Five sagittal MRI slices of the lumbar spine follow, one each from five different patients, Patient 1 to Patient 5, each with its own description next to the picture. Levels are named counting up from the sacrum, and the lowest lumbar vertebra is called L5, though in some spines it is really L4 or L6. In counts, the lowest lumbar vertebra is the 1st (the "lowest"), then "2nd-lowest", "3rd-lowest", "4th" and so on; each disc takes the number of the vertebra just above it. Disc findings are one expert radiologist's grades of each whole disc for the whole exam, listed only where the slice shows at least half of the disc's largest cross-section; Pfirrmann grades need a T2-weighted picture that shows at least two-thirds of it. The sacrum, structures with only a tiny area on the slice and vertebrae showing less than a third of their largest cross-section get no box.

Patient 1 of 5:
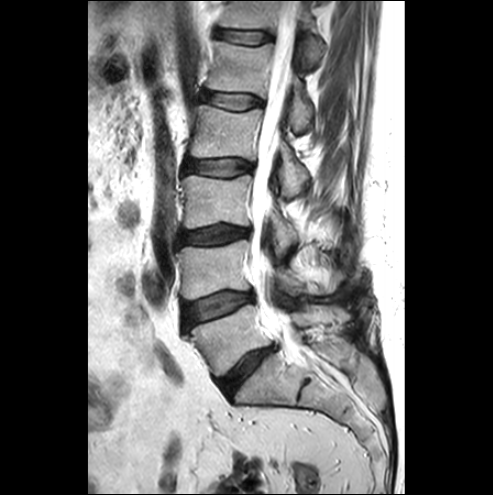 Sagittal T2-weighted lumbar spine MRI
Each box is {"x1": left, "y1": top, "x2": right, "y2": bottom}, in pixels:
2nd-lowest vertebra = {"x1": 178, "y1": 239, "x2": 341, "y2": 299}.
2nd-lowest disc = {"x1": 185, "y1": 292, "x2": 252, "y2": 326}.
3rd-lowest vertebra = {"x1": 181, "y1": 174, "x2": 298, "y2": 254}.
3rd-lowest disc = {"x1": 183, "y1": 225, "x2": 248, "y2": 244}.
4th disc = {"x1": 185, "y1": 159, "x2": 252, "y2": 176}.
6th disc = {"x1": 216, "y1": 29, "x2": 272, "y2": 43}.
4th vertebra = {"x1": 190, "y1": 105, "x2": 307, "y2": 196}.
Lowest vertebra = {"x1": 190, "y1": 304, "x2": 350, "y2": 375}.
5th disc = {"x1": 201, "y1": 91, "x2": 261, "y2": 109}.
5th vertebra = {"x1": 208, "y1": 41, "x2": 311, "y2": 130}.
6th vertebra = {"x1": 220, "y1": 1, "x2": 322, "y2": 67}.
Lowest disc = {"x1": 219, "y1": 346, "x2": 273, "y2": 395}.
Spinal canal = {"x1": 252, "y1": 1, "x2": 299, "y2": 314}.

Per-level radiological findings:
  6th disc: Pfirrmann grade 1
  3rd-lowest disc: Pfirrmann grade 3, disc bulging
  lowest disc: Pfirrmann grade 4, disc bulging, disc narrowing
  5th disc: Pfirrmann grade 1
  4th disc: Pfirrmann grade 1
  2nd-lowest disc: Pfirrmann grade 1, Modic type III, disc bulging

Patient 2 of 5:
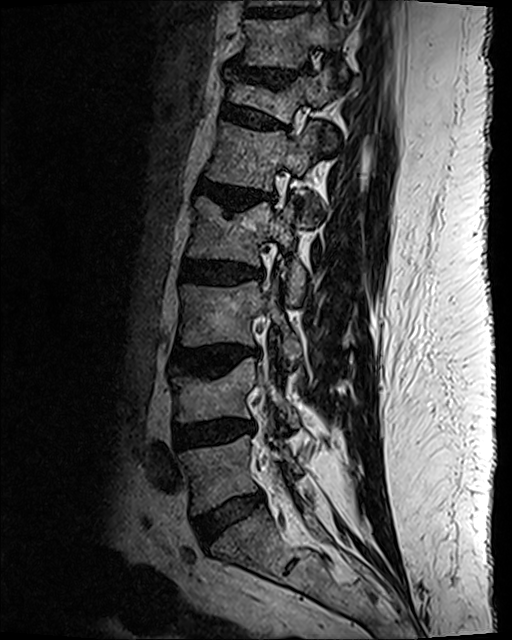
MRI lumbar spine (T2 SPACE (3D)), sagittal plane, 512x640 px

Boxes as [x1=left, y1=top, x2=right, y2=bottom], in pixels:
IVD T12/L1 at [x1=223, y1=106, x2=284, y2=128], L3 vertebra at [x1=180, y1=281, x2=300, y2=367], T12 vertebra at [x1=228, y1=66, x2=336, y2=147], L2/L3 at [x1=181, y1=260, x2=263, y2=284], L5 vertebra at [x1=182, y1=435, x2=300, y2=514], IVD L4/L5 at [x1=174, y1=421, x2=249, y2=447], T10/T11 at [x1=249, y1=10, x2=299, y2=17], L1 at [x1=208, y1=122, x2=320, y2=225], T11 vertebra at [x1=245, y1=14, x2=346, y2=77], T11/T12 at [x1=229, y1=66, x2=307, y2=89], thecal sac / spinal canal at [x1=262, y1=450, x2=270, y2=466], L3/L4 at [x1=175, y1=346, x2=258, y2=373], IVD L5/S1 at [x1=195, y1=492, x2=263, y2=542], IVD L1/L2 at [x1=198, y1=181, x2=262, y2=211], L2 vertebra at [x1=189, y1=198, x2=304, y2=305], L4 at [x1=170, y1=358, x2=299, y2=428].

Radiological gradings:
  L1/L2: Pfirrmann grade 3, lower-endplate change, disc bulging, upper-endplate change, Modic type II, disc narrowing
  T12/L1: Pfirrmann grade 2, disc bulging, spondylolisthesis, upper-endplate change, lower-endplate change
  L2/L3: Pfirrmann grade 3, disc bulging, lower-endplate change
  L4/L5: Pfirrmann grade 3, disc bulging, disc narrowing
  L3/L4: Pfirrmann grade 3, upper-endplate change, lower-endplate change, Modic type II, disc bulging
  T11/T12: Pfirrmann grade 2, disc narrowing, lower-endplate change, disc bulging, upper-endplate change
  L5/S1: Pfirrmann grade 2, disc bulging

Patient 3 of 5:
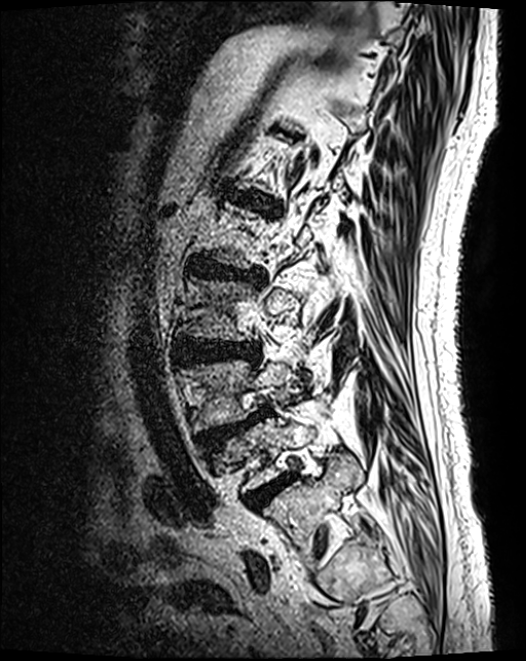 Patient sex: M. Sagittal T2 SPACE (3D) lumbar spine MRI.
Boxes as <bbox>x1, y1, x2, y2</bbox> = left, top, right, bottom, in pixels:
disc L2/L3 at <bbox>192, 260, 264, 282</bbox> | L4/L5 at <bbox>201, 412, 263, 447</bbox> | L5/S1 at <bbox>246, 475, 294, 507</bbox> | L4 at <bbox>186, 361, 290, 431</bbox> | L5 at <bbox>217, 410, 322, 492</bbox> | L1/L2 at <bbox>232, 191, 277, 210</bbox> | disc L3/L4 at <bbox>178, 342, 255, 364</bbox> | L3 at <bbox>184, 280, 296, 341</bbox>

Radiological gradings:
• L3/L4: Pfirrmann grade 4, disc bulging
• L2/L3: upper-endplate change, disc narrowing, lower-endplate change, disc bulging

Patient 4 of 5:
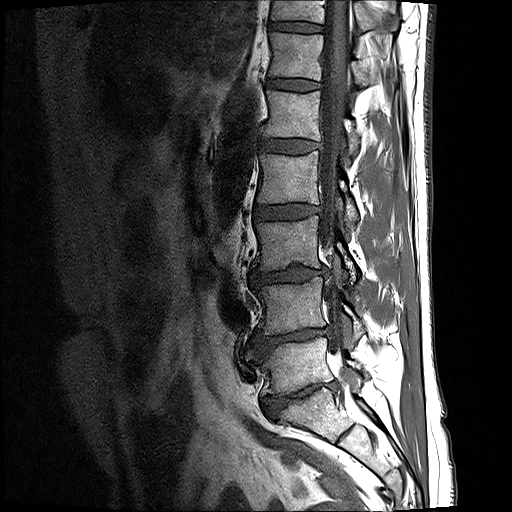
Sex M, Sagittal T1-weighted lumbar spine MRI, Field of view 300x300 mm, slice spacing 3.3 mm, Slice 12/17

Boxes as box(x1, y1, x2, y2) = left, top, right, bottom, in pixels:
T11 vertebra at box(271, 0, 399, 31); L5 at box(258, 337, 362, 395); L1 vertebra at box(263, 90, 360, 153); spinal canal at box(318, 0, 351, 389); disc L2/L3 at box(254, 204, 320, 219); disc T12/L1 at box(267, 79, 319, 90); T11/T12 at box(269, 21, 322, 32); L5/S1 at box(262, 382, 336, 418); L3 vertebra at box(253, 216, 356, 283); disc L4/L5 at box(252, 327, 330, 356); disc L3/L4 at box(250, 267, 325, 286); L4 vertebra at box(255, 277, 364, 338); L1/L2 at box(260, 139, 318, 153); T12 vertebra at box(269, 32, 397, 85); L2 vertebra at box(257, 151, 357, 227).

Expert MSK radiologist gradings (per disc):
• L3/L4: disc narrowing, disc bulging
• L4/L5: disc bulging, Modic type II, disc narrowing, lower-endplate change
• L5/S1: disc bulging, disc narrowing, spondylolisthesis, lower-endplate change
• L1/L2, T12/L1, L2/L3, T11/T12: no spondylolisthesis, narrowing, bulging, herniation, Modic or endplate change recorded

Patient 5 of 5:
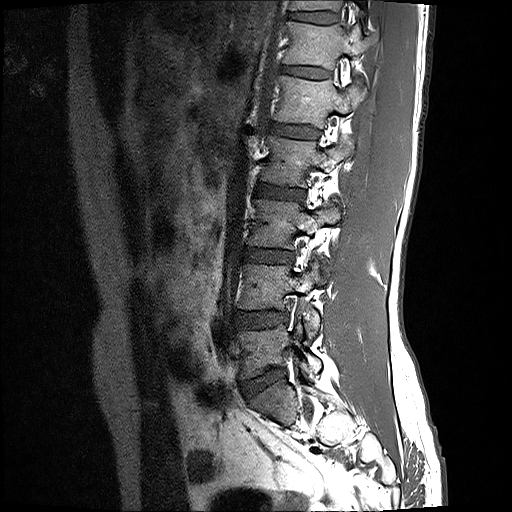

Sagittal T1-weighted lumbar spine MRI

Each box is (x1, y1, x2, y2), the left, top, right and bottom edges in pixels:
{"2nd-lowest disc": "(234, 311, 287, 328)", "lowest vertebra": "(237, 319, 321, 378)", "4th vertebra": "(262, 136, 353, 186)", "6th disc": "(282, 65, 329, 78)", "3rd-lowest vertebra": "(248, 199, 340, 249)", "6th vertebra": "(284, 21, 372, 69)", "7th vertebra": "(290, 0, 343, 11)", "7th disc": "(289, 12, 337, 23)", "2nd-lowest vertebra": "(239, 262, 329, 338)", "4th disc": "(257, 184, 304, 199)", "3rd-lowest disc": "(244, 248, 293, 263)", "5th disc": "(271, 123, 317, 138)", "lowest disc": "(241, 368, 285, 397)", "5th vertebra": "(274, 76, 366, 127)"}

Radiological gradings:
  3rd-lowest disc: disc bulging
  lowest disc: disc bulging
  2nd-lowest disc: disc bulging
  7th disc, 5th disc, 4th disc, 6th disc: no Modic or endplate change, herniation, narrowing, bulging or spondylolisthesis recorded